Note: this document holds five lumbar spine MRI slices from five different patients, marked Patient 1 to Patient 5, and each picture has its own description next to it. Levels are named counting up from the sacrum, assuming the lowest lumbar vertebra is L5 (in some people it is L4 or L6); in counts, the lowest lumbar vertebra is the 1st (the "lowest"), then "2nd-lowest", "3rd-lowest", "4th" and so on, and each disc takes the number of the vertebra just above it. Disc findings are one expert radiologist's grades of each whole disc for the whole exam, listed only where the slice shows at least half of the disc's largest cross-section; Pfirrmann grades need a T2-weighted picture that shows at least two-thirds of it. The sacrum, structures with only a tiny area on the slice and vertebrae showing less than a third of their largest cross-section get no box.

Patient 1 of 5:
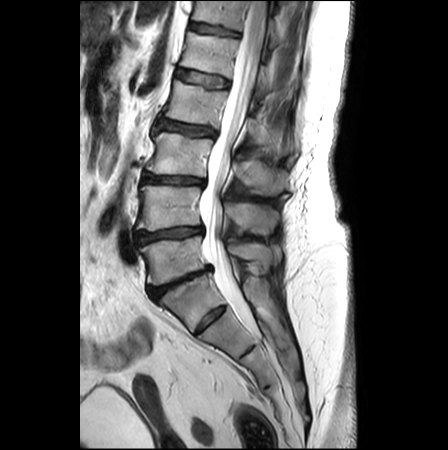

Sagittal T2-weighted lumbar spine MRI. Patient sex: F. Sagittal slice index 12.

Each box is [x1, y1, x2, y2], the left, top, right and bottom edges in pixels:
L5 at [140, 235, 273, 284], L4 at [137, 186, 278, 233], thecal sac / spinal canal at [200, 1, 265, 320], disc L3/L4 at [143, 173, 203, 185], T12 at [192, 1, 280, 47], L3 vertebra at [146, 133, 290, 194], L2 vertebra at [165, 81, 292, 154], disc L2/L3 at [157, 119, 215, 136], L5/S1 at [148, 266, 212, 299], disc L4/L5 at [136, 226, 202, 243], disc L1/L2 at [176, 69, 228, 87], T12/L1 at [190, 22, 238, 36], L1 at [180, 32, 295, 100].

Radiological gradings:
- L3/L4: Pfirrmann grade 3, lower-endplate change, disc narrowing, Modic type II, disc bulging, upper-endplate change
- L4/L5: Pfirrmann grade 3, upper-endplate change, disc narrowing, disc bulging, Modic type II, lower-endplate change
- L1/L2: Pfirrmann grade 1
- T12/L1: Pfirrmann grade 2, lower-endplate change
- L2/L3: Pfirrmann grade 2, Modic type II, lower-endplate change, upper-endplate change, disc narrowing, disc bulging
- L5/S1: Pfirrmann grade 5, upper-endplate change, disc bulging, lower-endplate change, disc narrowing, Modic type II

Patient 2 of 5:
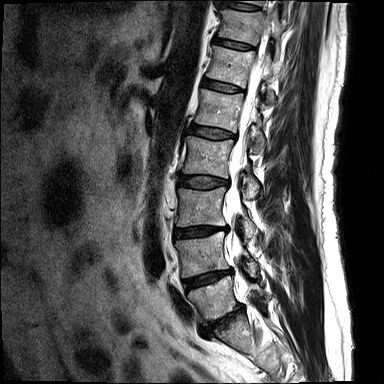
Lumbar spine MR, T2-weighted, sagittal.

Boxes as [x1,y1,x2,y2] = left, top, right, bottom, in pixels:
Intervertebral disc T11/T12 (7th disc) = [213,37,253,49].
L4 (2nd-lowest vertebra) = [176,231,257,277].
L1/L2 (5th disc) = [191,125,235,139].
Intervertebral disc T10/T11 (8th disc) = [220,0,259,11].
T10 (8th vertebra) = [239,0,288,15].
L5 (lowest vertebra) = [188,276,264,324].
L1 (5th vertebra) = [195,89,265,153].
Spinal canal = [225,31,267,293].
Intervertebral disc T12/L1 (6th disc) = [203,79,241,92].
T11 (7th vertebra) = [219,7,283,48].
L2 (4th vertebra) = [183,136,259,196].
T12 (6th vertebra) = [207,45,274,101].
L2/L3 (4th disc) = [179,176,228,188].
L4/L5 (2nd-lowest disc) = [183,270,231,289].
L5/S1 (lowest disc) = [201,305,242,334].
L3 (3rd-lowest vertebra) = [177,187,256,237].
L3/L4 (3rd-lowest disc) = [175,226,228,237].

Radiological gradings:
- L4/L5 (2nd-lowest disc): Pfirrmann grade 3, disc narrowing, disc bulging, upper-endplate change, lower-endplate change, Modic type II
- T10/T11 (8th disc): Pfirrmann grade 1
- L2/L3 (4th disc): Pfirrmann grade 2, disc bulging
- L5/S1 (lowest disc): Pfirrmann grade 5, Modic type II, disc narrowing, lower-endplate change, disc bulging, upper-endplate change
- T11/T12 (7th disc): Pfirrmann grade 1
- L3/L4 (3rd-lowest disc): Pfirrmann grade 3, upper-endplate change, disc narrowing, disc bulging, lower-endplate change
- T12/L1 (6th disc): Pfirrmann grade 1
- L1/L2 (5th disc): Pfirrmann grade 2, disc bulging, upper-endplate change

Patient 3 of 5:
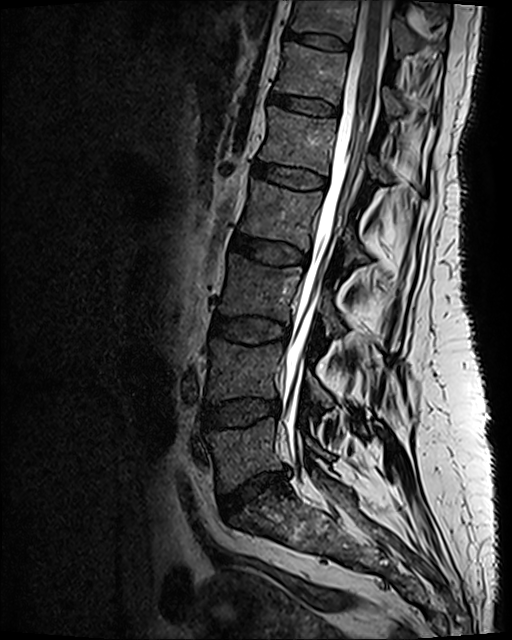
Lumbar spine MR, T2 SPACE (3D), sagittal. Sex F. Slice spacing 0.9 mm. 512x640 px.
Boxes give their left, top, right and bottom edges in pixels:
5th vertebra: left=259, top=107, right=425, bottom=191.
5th disc: left=254, top=161, right=327, bottom=189.
Spinal canal: left=282, top=0, right=386, bottom=469.
3rd-lowest disc: left=212, top=317, right=288, bottom=343.
6th vertebra: left=275, top=42, right=401, bottom=114.
3rd-lowest vertebra: left=220, top=254, right=344, bottom=335.
6th disc: left=271, top=94, right=338, bottom=115.
Lowest vertebra: left=208, top=419, right=331, bottom=491.
7th disc: left=283, top=29, right=347, bottom=51.
4th vertebra: left=241, top=180, right=367, bottom=265.
Lowest disc: left=220, top=470, right=286, bottom=516.
7th vertebra: left=291, top=0, right=425, bottom=57.
4th disc: left=232, top=234, right=307, bottom=264.
2nd-lowest disc: left=204, top=400, right=280, bottom=427.
2nd-lowest vertebra: left=208, top=340, right=332, bottom=407.

Degenerative findings by level:
• lowest disc: Pfirrmann grade 3, lower-endplate change, disc herniation, upper-endplate change, disc narrowing
• 7th disc: Pfirrmann grade 2
• 3rd-lowest disc: Pfirrmann grade 3
• 4th disc: Pfirrmann grade 3, disc bulging
• 2nd-lowest disc: Pfirrmann grade 3, disc bulging
• 5th disc: Pfirrmann grade 2
• 6th disc: Pfirrmann grade 2

Patient 4 of 5:
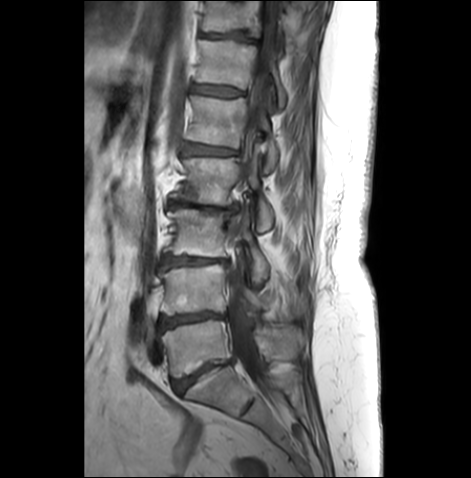

Field of view 281x281 mm. Sagittal T1-weighted lumbar spine MRI. Patient sex: F. Image 471x478.
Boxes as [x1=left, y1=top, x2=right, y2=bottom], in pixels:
disc T11/T12 (7th disc): [x1=201, y1=32, x2=256, y2=41] | T11 (7th vertebra): [x1=202, y1=1, x2=293, y2=45] | L1 (5th vertebra): [x1=187, y1=96, x2=278, y2=172] | T12 (6th vertebra): [x1=196, y1=40, x2=286, y2=107] | thecal sac / spinal canal: [x1=227, y1=0, x2=279, y2=387] | disc L5/S1 (lowest disc): [x1=173, y1=362, x2=227, y2=392] | L4/L5 (2nd-lowest disc): [x1=159, y1=310, x2=225, y2=329] | L2 (4th vertebra): [x1=172, y1=147, x2=274, y2=232] | disc L1/L2 (5th disc): [x1=184, y1=142, x2=236, y2=154] | L3 (3rd-lowest vertebra): [x1=166, y1=208, x2=269, y2=281] | L5 (lowest vertebra): [x1=162, y1=318, x2=304, y2=376] | T12/L1 (6th disc): [x1=194, y1=84, x2=242, y2=96] | L4 (2nd-lowest vertebra): [x1=161, y1=262, x2=278, y2=316] | disc L3/L4 (3rd-lowest disc): [x1=162, y1=255, x2=230, y2=268] | L2/L3 (4th disc): [x1=168, y1=200, x2=239, y2=211]

Degenerative findings by level:
- L1/L2 (5th disc): lower-endplate change, upper-endplate change, disc bulging, Modic type II
- T11/T12 (7th disc): disc bulging, upper-endplate change, lower-endplate change
- L3/L4 (3rd-lowest disc): disc narrowing, Modic type II, disc bulging
- L2/L3 (4th disc): Modic type II, disc bulging, lower-endplate change, upper-endplate change, disc narrowing
- L4/L5 (2nd-lowest disc): disc narrowing, Modic type II, lower-endplate change, disc bulging, upper-endplate change
- L5/S1 (lowest disc): Modic type II, disc bulging, disc narrowing
- T12/L1 (6th disc): upper-endplate change, lower-endplate change, disc bulging

Patient 5 of 5:
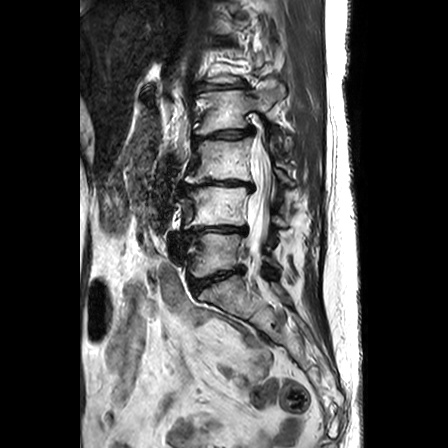 Sagittal T2-weighted lumbar spine MRI. Field of view 280x280 mm, slice spacing 3.3 mm.
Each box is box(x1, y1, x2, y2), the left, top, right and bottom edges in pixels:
Annotations:
- L5 vertebra: box(187, 232, 280, 277)
- L5/S1: box(190, 266, 243, 293)
- L2: box(194, 83, 285, 145)
- L3 vertebra: box(185, 136, 292, 185)
- L2/L3: box(194, 126, 254, 141)
- L4 vertebra: box(183, 185, 285, 228)
- L3/L4: box(181, 180, 255, 194)
- spinal canal: box(246, 142, 271, 251)
- L1/L2: box(194, 80, 249, 91)
- disc L4/L5: box(183, 226, 247, 242)

Radiological gradings:
  L3/L4: Pfirrmann grade 5, disc bulging, lower-endplate change, upper-endplate change, disc narrowing, Modic type II
  L4/L5: Pfirrmann grade 5, disc bulging, Modic type II, upper-endplate change, disc narrowing, lower-endplate change
  L5/S1: disc bulging, lower-endplate change, disc narrowing, upper-endplate change
  L1/L2: Pfirrmann grade 2, disc bulging
  L2/L3: Pfirrmann grade 3, disc bulging, upper-endplate change, disc narrowing, lower-endplate change